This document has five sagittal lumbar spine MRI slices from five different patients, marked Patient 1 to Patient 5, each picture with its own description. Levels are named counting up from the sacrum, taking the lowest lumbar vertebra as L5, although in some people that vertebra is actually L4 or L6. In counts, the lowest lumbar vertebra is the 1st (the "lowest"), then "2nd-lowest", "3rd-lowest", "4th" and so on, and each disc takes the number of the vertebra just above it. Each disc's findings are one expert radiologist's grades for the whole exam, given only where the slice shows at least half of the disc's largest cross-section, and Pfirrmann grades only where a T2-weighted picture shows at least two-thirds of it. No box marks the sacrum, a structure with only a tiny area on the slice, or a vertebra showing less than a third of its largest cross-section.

Patient 1 of 5:
T2-weighted sagittal MRI of the lumbar spine; Sex M; Slice 8 of 14
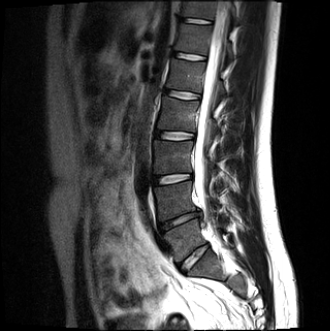 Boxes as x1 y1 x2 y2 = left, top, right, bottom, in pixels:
L2: 157 97 220 131
L5 vertebra: 163 219 224 261
disc L5/S1: 180 244 209 271
L2/L3: 155 130 194 139
thecal sac / spinal canal: 194 1 227 202
L4: 155 181 215 220
T12/L1: 173 52 204 59
T11/T12: 181 18 211 23
L3 vertebra: 154 140 216 173
disc L1/L2: 163 89 199 98
L1: 166 58 225 94
T12: 174 24 233 60
L3/L4: 154 174 192 184
L4/L5: 160 209 201 230
T11 vertebra: 181 1 237 24

Degenerative findings by level:
  L4/L5: Pfirrmann grade 4, lower-endplate change, disc herniation, disc narrowing, Modic type II, upper-endplate change
  L3/L4: Pfirrmann grade 2
  T12/L1: Pfirrmann grade 2
  L2/L3: Pfirrmann grade 2
  L5/S1: Pfirrmann grade 2, disc bulging
  L1/L2: Pfirrmann grade 2
  T11/T12: Pfirrmann grade 2

Patient 2 of 5:
Image 594x600. Field of view 280x283 mm. T1-weighted sagittal MRI of the lumbar spine. Slice 16/28.

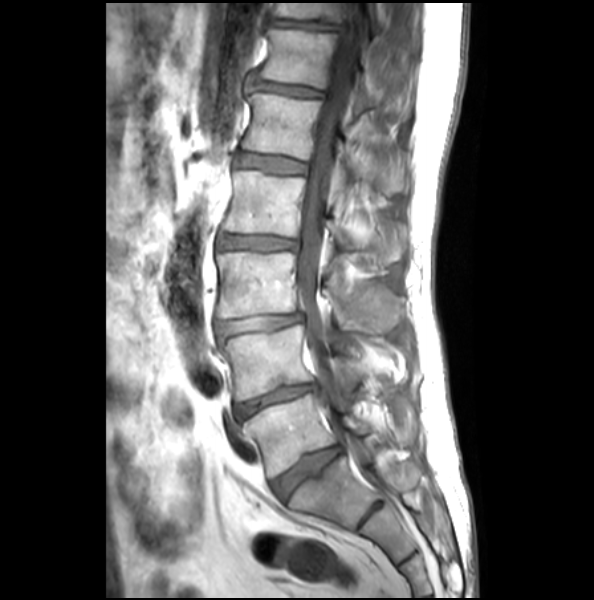 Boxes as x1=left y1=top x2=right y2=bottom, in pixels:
Lowest vertebra at x1=243 y1=393 x2=415 y2=477, 5th vertebra at x1=243 y1=94 x2=407 y2=193, 2nd-lowest disc at x1=235 y1=383 x2=319 y2=421, thecal sac / spinal canal at x1=297 y1=3 x2=361 y2=433, 3rd-lowest disc at x1=216 y1=314 x2=303 y2=337, 3rd-lowest vertebra at x1=217 y1=251 x2=405 y2=332, 2nd-lowest vertebra at x1=221 y1=325 x2=365 y2=401, 6th vertebra at x1=260 y1=29 x2=410 y2=121, 7th disc at x1=270 y1=19 x2=342 y2=31, lowest disc at x1=270 y1=445 x2=341 y2=500, 4th disc at x1=219 y1=235 x2=299 y2=251, 4th vertebra at x1=224 y1=171 x2=406 y2=265, 5th disc at x1=237 y1=152 x2=305 y2=174, 7th vertebra at x1=273 y1=3 x2=379 y2=30, 6th disc at x1=256 y1=82 x2=321 y2=97.

Per-level radiological findings:
- 6th disc: upper-endplate change, disc bulging
- 7th disc: lower-endplate change, disc bulging, upper-endplate change
- 4th disc: disc bulging, disc narrowing
- 3rd-lowest disc: disc narrowing, disc bulging
- lowest disc: lower-endplate change, upper-endplate change
- 5th disc: upper-endplate change
- 2nd-lowest disc: lower-endplate change, disc bulging, disc narrowing

Patient 3 of 5:
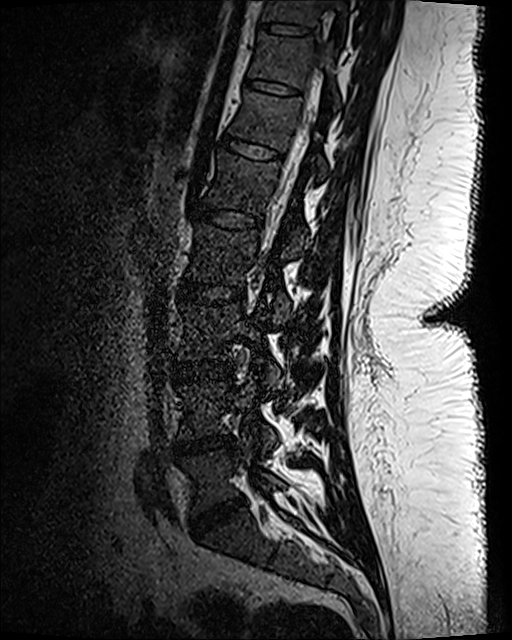
T2 SPACE (3D) sagittal MRI of the lumbar spine.
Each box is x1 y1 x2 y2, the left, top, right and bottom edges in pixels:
T12/L1 = 218 131 284 159.
L5 = 184 437 283 512.
T10 = 262 0 349 38.
Disc L2/L3 = 177 281 245 306.
L4/L5 = 178 436 232 456.
Thecal sac / spinal canal = 278 69 318 203.
T11/T12 = 245 79 301 96.
L5/S1 = 190 497 244 534.
Disc T10/T11 = 264 23 310 36.
L3/L4 = 174 360 233 381.
L4 = 179 375 276 455.
T12 vertebra = 230 89 327 177.
T11 = 250 33 337 105.
L1 vertebra = 204 152 308 259.
L3 = 179 305 280 385.
L2 vertebra = 187 224 289 322.
L1/L2 = 189 206 261 229.

Expert MSK radiologist gradings (per disc):
• L5/S1: Pfirrmann grade 4, disc narrowing, disc bulging
• T11/T12: Pfirrmann grade 1
• T12/L1: Pfirrmann grade 1
• T10/T11: Pfirrmann grade 1
• L2/L3: Pfirrmann grade 1
• L1/L2: Pfirrmann grade 1
• L3/L4: no Modic or endplate change, herniation, narrowing, bulging or spondylolisthesis recorded

Patient 4 of 5:
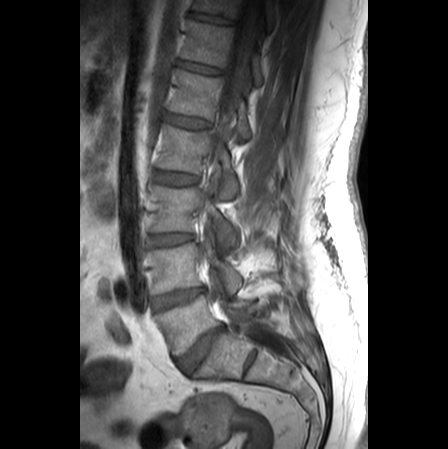

Sagittal slice index 9 | Field of view 280x281 mm | MRI lumbar spine (T1-weighted), sagittal plane

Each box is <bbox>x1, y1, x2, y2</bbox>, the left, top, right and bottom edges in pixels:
* L1: <bbox>170, 70, 250, 139</bbox>
* L2: <bbox>154, 124, 238, 199</bbox>
* T11/T12: <bbox>190, 13, 233, 26</bbox>
* T11: <bbox>193, 0, 273, 28</bbox>
* L5: <bbox>156, 283, 251, 355</bbox>
* L1/L2: <bbox>166, 115, 209, 127</bbox>
* thecal sac / spinal canal: <bbox>203, 0, 283, 353</bbox>
* L3/L4: <bbox>149, 233, 192, 245</bbox>
* T12 vertebra: <bbox>181, 20, 263, 85</bbox>
* IVD T12/L1: <bbox>179, 62, 221, 74</bbox>
* L4/L5: <bbox>153, 289, 203, 309</bbox>
* IVD L2/L3: <bbox>153, 171, 198, 185</bbox>
* L3: <bbox>151, 185, 235, 248</bbox>
* L4 vertebra: <bbox>148, 241, 241, 294</bbox>
* L5/S1: <bbox>179, 327, 223, 372</bbox>

Expert MSK radiologist gradings (per disc):
  L4/L5: disc bulging, Modic type II
  L5/S1: disc narrowing, Modic type II, disc bulging
  L2/L3, T11/T12, T12/L1, L3/L4, L1/L2: no herniation, bulging, narrowing, spondylolisthesis, endplate or Modic change recorded

Patient 5 of 5:
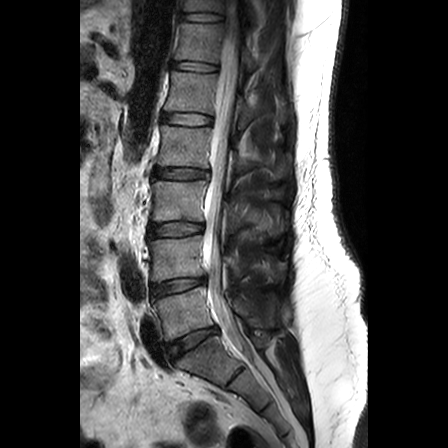 Slice 14/24 | Field of view 280x280 mm | Lumbar spine MR, T2-weighted, sagittal | Sex M
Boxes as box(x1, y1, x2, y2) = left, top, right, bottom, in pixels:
7th disc — box(181, 12, 222, 21).
Spinal canal — box(203, 0, 252, 354).
5th disc — box(162, 113, 211, 125).
5th vertebra — box(164, 71, 285, 129).
3rd-lowest vertebra — box(152, 180, 280, 235).
7th vertebra — box(184, 0, 256, 20).
3rd-lowest disc — box(149, 222, 203, 236).
6th disc — box(172, 62, 217, 71).
2nd-lowest vertebra — box(149, 235, 284, 281).
Lowest vertebra — box(153, 287, 274, 341).
2nd-lowest disc — box(151, 278, 205, 296).
4th disc — box(154, 168, 207, 179).
6th vertebra — box(175, 22, 257, 70).
4th vertebra — box(157, 125, 285, 180).
Lowest disc — box(168, 327, 218, 359).

Per-level radiological findings:
  2nd-lowest disc: Pfirrmann grade 2
  lowest disc: Pfirrmann grade 3, disc bulging
  6th disc: Pfirrmann grade 1
  4th disc: Pfirrmann grade 2, disc bulging
  3rd-lowest disc: Pfirrmann grade 2
  7th disc: Pfirrmann grade 1
  5th disc: Pfirrmann grade 1